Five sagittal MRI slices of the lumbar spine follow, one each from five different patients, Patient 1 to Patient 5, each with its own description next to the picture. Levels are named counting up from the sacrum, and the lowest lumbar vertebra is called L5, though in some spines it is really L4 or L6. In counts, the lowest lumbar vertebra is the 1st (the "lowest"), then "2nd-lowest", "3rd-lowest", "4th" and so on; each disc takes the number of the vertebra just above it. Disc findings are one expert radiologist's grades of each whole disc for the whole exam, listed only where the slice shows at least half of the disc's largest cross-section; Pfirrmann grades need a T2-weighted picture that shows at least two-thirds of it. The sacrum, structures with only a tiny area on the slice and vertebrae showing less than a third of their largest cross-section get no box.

Patient 1 of 5:
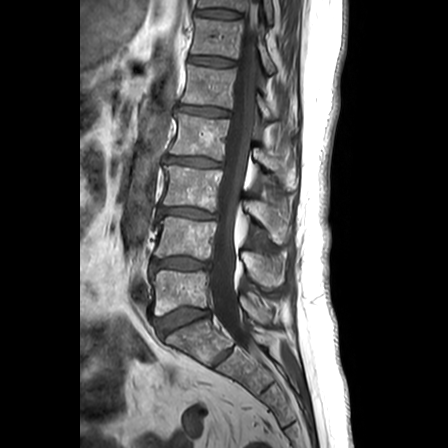

T1-weighted sagittal MRI of the lumbar spine. Slice 13 of 24. Sex F.

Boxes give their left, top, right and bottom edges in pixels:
Segmented structures:
* 3rd-lowest disc: left=160, top=206, right=216, bottom=218
* thecal sac / spinal canal: left=210, top=0, right=259, bottom=355
* 2nd-lowest disc: left=151, top=257, right=209, bottom=271
* 6th vertebra: left=192, top=18, right=275, bottom=73
* 4th disc: left=165, top=155, right=222, bottom=166
* lowest vertebra: left=152, top=270, right=271, bottom=323
* 4th vertebra: left=170, top=112, right=297, bottom=189
* 5th disc: left=178, top=105, right=229, bottom=116
* 6th disc: left=189, top=56, right=233, bottom=66
* 7th vertebra: left=198, top=0, right=273, bottom=23
* 3rd-lowest vertebra: left=163, top=165, right=289, bottom=243
* 2nd-lowest vertebra: left=155, top=216, right=285, bottom=287
* 7th disc: left=197, top=9, right=239, bottom=18
* 5th vertebra: left=182, top=65, right=273, bottom=119
* lowest disc: left=156, top=307, right=209, bottom=335

Per-level radiological findings:
  3rd-lowest disc: lower-endplate change, disc bulging, disc narrowing, Modic type II, upper-endplate change
  lowest disc: Modic type II, lower-endplate change, upper-endplate change
  2nd-lowest disc: upper-endplate change, lower-endplate change, disc bulging, Modic type II
  5th disc: disc bulging, disc narrowing
  4th disc: lower-endplate change, Modic type II, disc bulging, disc narrowing, upper-endplate change
  6th disc, 7th disc: no Modic or endplate change, herniation, narrowing, bulging or spondylolisthesis recorded

Patient 2 of 5:
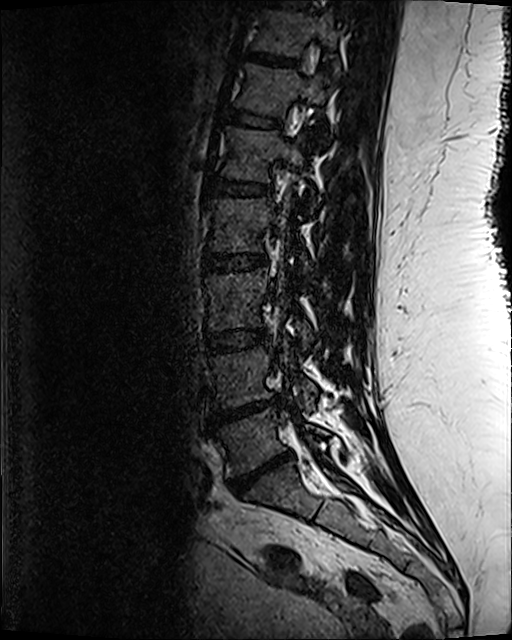 Slice spacing 0.9 mm. Sagittal T2 SPACE (3D) lumbar spine MRI. Slice 73 of 120.
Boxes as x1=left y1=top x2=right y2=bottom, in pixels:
L2 at x1=210 y1=193 x2=310 y2=269, T11 at x1=254 y1=10 x2=339 y2=74, L4 at x1=212 y1=340 x2=316 y2=410, T12/L1 at x1=225 y1=108 x2=280 y2=127, L4/L5 at x1=213 y1=401 x2=271 y2=423, T12 vertebra at x1=237 y1=64 x2=325 y2=115, L3 at x1=207 y1=267 x2=311 y2=348, disc T11/T12 at x1=247 y1=51 x2=295 y2=64, L3/L4 at x1=206 y1=331 x2=268 y2=351, L5 vertebra at x1=220 y1=409 x2=328 y2=475, L1 at x1=222 y1=128 x2=314 y2=211, T10/T11 at x1=262 y1=0 x2=308 y2=8, disc L5/S1 at x1=227 y1=454 x2=290 y2=494, disc L1/L2 at x1=209 y1=178 x2=269 y2=195, disc L2/L3 at x1=203 y1=253 x2=265 y2=272.

Radiological gradings:
  L5/S1: Pfirrmann grade 5, disc herniation, upper-endplate change, lower-endplate change, Modic type II, disc narrowing
  T12/L1: Pfirrmann grade 3
  L1/L2: Pfirrmann grade 3, lower-endplate change
  T11/T12: Pfirrmann grade 3, lower-endplate change
  L3/L4: Pfirrmann grade 3
  L2/L3: Pfirrmann grade 3, upper-endplate change, lower-endplate change

Patient 3 of 5:
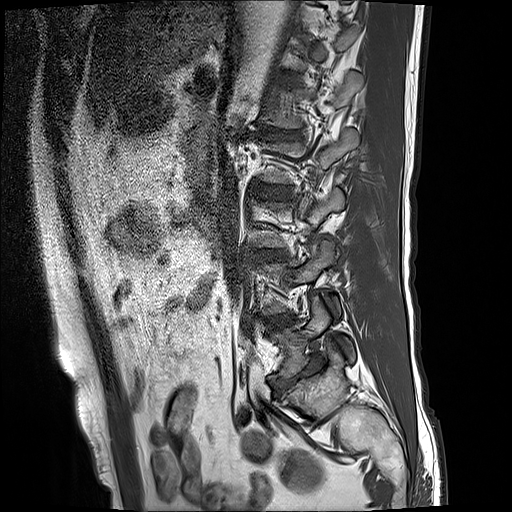 Patient sex: M. Image 512x512. MRI lumbar spine (T1-weighted), sagittal plane. Sagittal slice index 16.

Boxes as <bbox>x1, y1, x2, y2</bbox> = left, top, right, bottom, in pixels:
3rd-lowest disc at <bbox>266, 252, 285, 261</bbox>, lowest vertebra at <bbox>270, 297, 354, 377</bbox>, lowest disc at <bbox>273, 358, 320, 389</bbox>, 4th disc at <bbox>267, 186, 285, 199</bbox>, 2nd-lowest disc at <bbox>270, 318, 281, 326</bbox>, 5th disc at <bbox>265, 130, 300, 140</bbox>.

Patient 4 of 5:
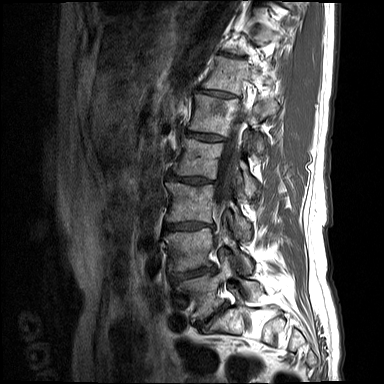 Sagittal T1-weighted lumbar spine MRI. 384x384 px. Slice 11 of 17.
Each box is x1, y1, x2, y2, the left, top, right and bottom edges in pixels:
Spinal canal at 214, 104, 248, 236.
L1 (5th vertebra) at 189, 94, 279, 152.
IVD L1/L2 (5th disc) at 186, 131, 224, 141.
L3/L4 (3rd-lowest disc) at 164, 222, 213, 229.
L5 (lowest vertebra) at 175, 261, 261, 320.
IVD L4/L5 (2nd-lowest disc) at 172, 267, 213, 280.
L3 (3rd-lowest vertebra) at 166, 182, 250, 238.
L2/L3 (4th disc) at 169, 173, 215, 183.
L4 (2nd-lowest vertebra) at 164, 228, 251, 270.
L5/S1 (lowest disc) at 197, 303, 226, 326.
T12/L1 (6th disc) at 200, 90, 234, 98.
T12 (6th vertebra) at 202, 57, 273, 94.
L2 (4th vertebra) at 173, 136, 256, 197.

Degenerative findings by level:
• L4/L5 (2nd-lowest disc): disc bulging, lower-endplate change, upper-endplate change, disc narrowing
• T12/L1 (6th disc): lower-endplate change, disc narrowing, upper-endplate change
• L2/L3 (4th disc): disc bulging, upper-endplate change, lower-endplate change, disc narrowing
• L3/L4 (3rd-lowest disc): upper-endplate change, disc bulging, disc narrowing, lower-endplate change
• L1/L2 (5th disc): disc narrowing, lower-endplate change, upper-endplate change

Patient 5 of 5:
Sagittal T1-weighted lumbar spine MRI; Sex M

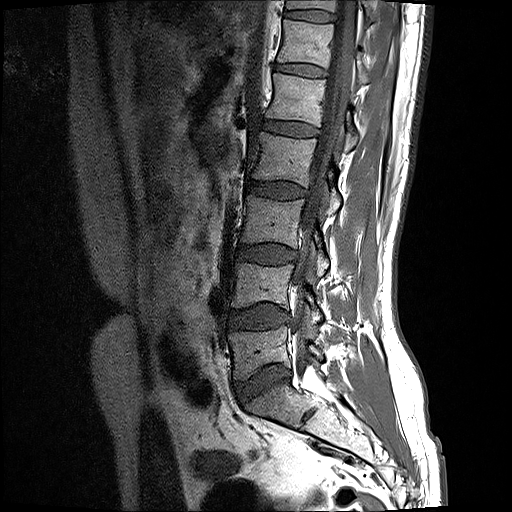

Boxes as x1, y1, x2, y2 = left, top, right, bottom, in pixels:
Annotations:
- L4 vertebra — 231, 262, 322, 323
- intervertebral disc T12/L1 — 275, 64, 326, 77
- L5/S1 — 234, 364, 290, 402
- spinal canal — 291, 0, 358, 370
- intervertebral disc L2/L3 — 248, 181, 306, 198
- L2 — 252, 132, 340, 213
- T12 — 277, 19, 369, 84
- intervertebral disc L4/L5 — 228, 305, 289, 329
- L1 vertebra — 266, 73, 357, 151
- L3 vertebra — 241, 194, 328, 276
- T11/T12 — 284, 10, 335, 22
- L1/L2 — 263, 121, 318, 136
- intervertebral disc L3/L4 — 237, 245, 296, 264
- T11 vertebra — 286, 0, 372, 22
- L5 — 228, 325, 323, 380

Radiological gradings:
- L3/L4: disc bulging
- L5/S1: disc bulging
- L4/L5: disc bulging
- L1/L2, T11/T12, T12/L1, L2/L3: no herniation, bulging, narrowing, spondylolisthesis, endplate or Modic change recorded